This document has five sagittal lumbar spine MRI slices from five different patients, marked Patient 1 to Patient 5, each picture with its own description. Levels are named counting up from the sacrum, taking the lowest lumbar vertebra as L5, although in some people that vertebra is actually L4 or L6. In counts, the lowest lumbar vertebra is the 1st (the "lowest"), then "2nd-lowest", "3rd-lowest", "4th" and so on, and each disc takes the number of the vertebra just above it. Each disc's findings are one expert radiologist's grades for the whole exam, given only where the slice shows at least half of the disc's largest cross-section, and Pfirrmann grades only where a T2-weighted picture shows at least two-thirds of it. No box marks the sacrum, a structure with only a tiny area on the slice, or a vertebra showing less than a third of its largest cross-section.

Patient 1 of 5:
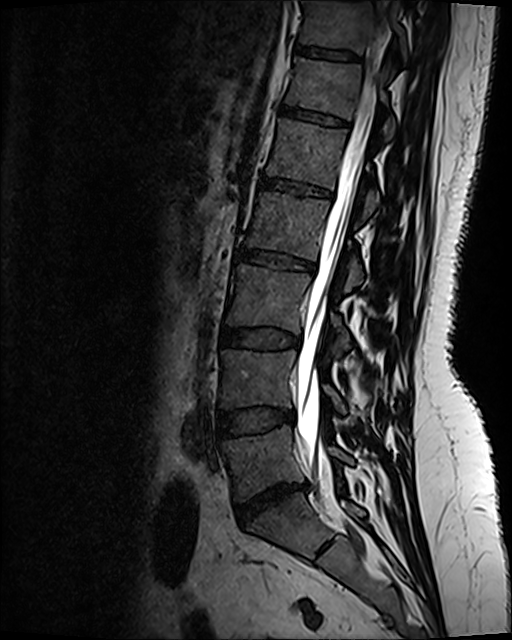

MRI lumbar spine (T2 SPACE (3D)), sagittal plane | Sagittal slice index 67 | 512x640 px

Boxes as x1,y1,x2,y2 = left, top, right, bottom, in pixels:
T12 vertebra at 287,59,394,139; intervertebral disc T11/T12 at 295,48,358,61; L1/L2 at 261,179,331,198; L1 vertebra at 267,120,379,216; T11 at 302,3,406,58; L3/L4 at 221,329,294,349; L2 at 246,193,363,291; L4/L5 at 219,409,292,438; L5/S1 at 236,486,305,526; L4 at 221,350,345,412; L5 vertebra at 223,425,352,500; intervertebral disc T12/L1 at 281,107,348,129; L3 at 227,266,349,348; thecal sac / spinal canal at 297,7,387,476; L2/L3 at 237,249,315,272.

Per-level radiological findings:
• L5/S1: Pfirrmann grade 1, disc narrowing, disc bulging, disc herniation
• L3/L4: Pfirrmann grade 2, disc bulging
• L1/L2: Pfirrmann grade 2, upper-endplate change, lower-endplate change
• T11/T12: Pfirrmann grade 2
• L4/L5: Pfirrmann grade 2, disc bulging
• L2/L3: Pfirrmann grade 4, disc bulging, upper-endplate change, lower-endplate change
• T12/L1: Pfirrmann grade 2, upper-endplate change, lower-endplate change

Patient 2 of 5:
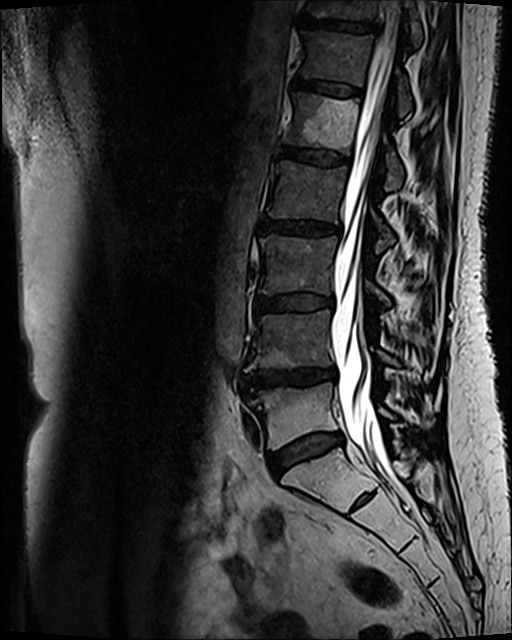 T2 SPACE (3D) sagittal MRI of the lumbar spine, Image 512x640

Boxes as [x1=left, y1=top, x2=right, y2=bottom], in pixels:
T11/T12 — [x1=301, y1=17, x2=378, y2=32] | L3/L4 — [x1=257, y1=295, x2=332, y2=312] | disc L5/S1 — [x1=269, y1=432, x2=344, y2=475] | spinal canal — [x1=331, y1=9, x2=398, y2=477] | L4/L5 — [x1=242, y1=369, x2=335, y2=394] | L2 — [x1=267, y1=161, x2=394, y2=252] | L3 vertebra — [x1=260, y1=234, x2=390, y2=304] | L4 vertebra — [x1=244, y1=310, x2=398, y2=372] | T12/L1 — [x1=293, y1=78, x2=361, y2=95] | T12 — [x1=302, y1=31, x2=411, y2=117] | L5 — [x1=249, y1=382, x2=428, y2=448] | L1 vertebra — [x1=284, y1=93, x2=403, y2=190] | disc L1/L2 — [x1=281, y1=147, x2=348, y2=164] | T11 vertebra — [x1=307, y1=0, x2=421, y2=47] | disc L2/L3 — [x1=261, y1=220, x2=341, y2=235]

Radiological gradings:
  L2/L3: Pfirrmann grade 3, disc bulging, Modic type II
  L5/S1: Pfirrmann grade 3, disc bulging, Modic type II
  T12/L1: Pfirrmann grade 3, Modic type II
  T11/T12: Pfirrmann grade 4, upper-endplate change, lower-endplate change, Modic type II
  L3/L4: Pfirrmann grade 3, disc bulging, Modic type II
  L4/L5: Pfirrmann grade 4, Modic type II, lower-endplate change, disc narrowing, disc bulging, upper-endplate change
  L1/L2: Pfirrmann grade 3, Modic type II

Patient 3 of 5:
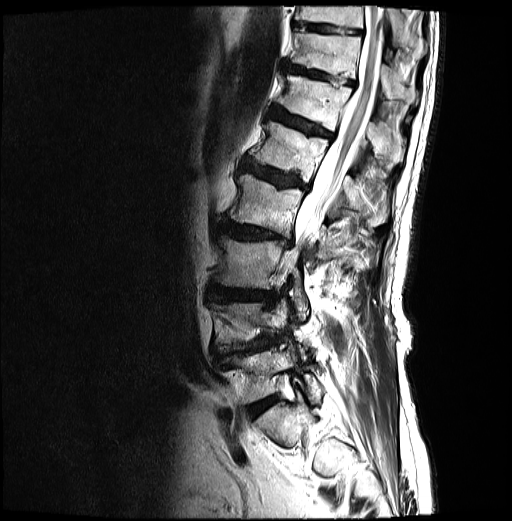 Lumbar spine MR, T2-weighted, sagittal
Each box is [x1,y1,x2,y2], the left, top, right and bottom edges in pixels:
Structures:
- L2/L3 (4th disc): [221,221,291,247]
- L5 (lowest vertebra): [226,342,322,402]
- T11/T12 (7th disc): [282,61,355,86]
- T10 (8th vertebra): [295,6,426,57]
- T11 (7th vertebra): [288,30,417,103]
- L1/L2 (5th disc): [241,158,308,189]
- disc T12/L1 (6th disc): [269,108,333,138]
- T12 (6th vertebra): [277,74,404,164]
- thecal sac / spinal canal: [292,6,385,260]
- L1 (5th vertebra): [249,121,386,226]
- T10/T11 (8th disc): [293,21,362,34]
- disc L5/S1 (lowest disc): [250,396,276,415]
- L3 (3rd-lowest vertebra): [215,236,308,320]
- L2 (4th vertebra): [228,175,335,267]
- L4/L5 (2nd-lowest disc): [235,341,264,351]
- disc L3/L4 (3rd-lowest disc): [213,287,275,301]

Per-level radiological findings:
• T12/L1 (6th disc): Pfirrmann grade 4, disc bulging, Modic type II, upper-endplate change, lower-endplate change
• T11/T12 (7th disc): Pfirrmann grade 4, disc bulging, upper-endplate change, lower-endplate change
• L3/L4 (3rd-lowest disc): Pfirrmann grade 4, lower-endplate change, upper-endplate change, disc bulging
• L2/L3 (4th disc): Pfirrmann grade 4, lower-endplate change, disc bulging, disc narrowing, upper-endplate change, Modic type I
• L1/L2 (5th disc): Pfirrmann grade 4, Modic type II, upper-endplate change, lower-endplate change, disc bulging
• T10/T11 (8th disc): Pfirrmann grade 3

Patient 4 of 5:
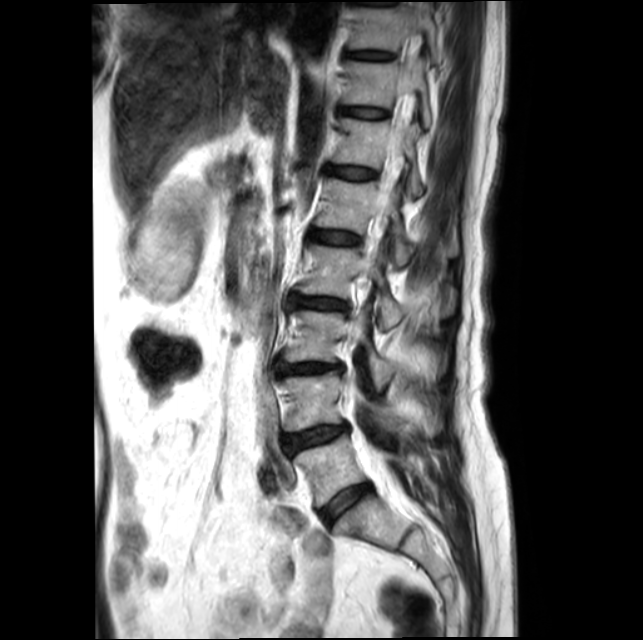 Sagittal T2-weighted lumbar spine MRI, Sagittal slice index 6, Patient sex: F

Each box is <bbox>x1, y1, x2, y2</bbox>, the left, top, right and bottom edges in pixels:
Segmented structures:
• L4 vertebra — <bbox>283, 372, 404, 433</bbox>
• disc L5/S1 — <bbox>322, 484, 370, 523</bbox>
• disc T10/T11 — <bbox>350, 52, 391, 59</bbox>
• T10 — <bbox>351, 8, 440, 62</bbox>
• disc L1/L2 — <bbox>312, 230, 357, 244</bbox>
• L2 vertebra — <bbox>299, 246, 453, 328</bbox>
• L5 vertebra — <bbox>294, 434, 411, 506</bbox>
• disc L4/L5 — <bbox>283, 425, 346, 452</bbox>
• T11 — <bbox>343, 61, 431, 127</bbox>
• T12/L1 — <bbox>331, 167, 374, 179</bbox>
• spinal canal — <bbox>347, 150, 406, 509</bbox>
• disc L3/L4 — <bbox>279, 363, 339, 374</bbox>
• L3 — <bbox>284, 311, 395, 391</bbox>
• L1 vertebra — <bbox>316, 179, 414, 266</bbox>
• T12 vertebra — <bbox>335, 118, 421, 196</bbox>
• disc L2/L3 — <bbox>294, 297, 345, 309</bbox>
• T11/T12 — <bbox>343, 108, 384, 117</bbox>

Radiological gradings:
• L5/S1: Pfirrmann grade 2
• L2/L3: disc narrowing, lower-endplate change, Modic type II, disc bulging, upper-endplate change
• L1/L2: Modic type II
• T12/L1: Pfirrmann grade 2
• T10/T11: Pfirrmann grade 2
• L4/L5: Pfirrmann grade 2, lower-endplate change, disc bulging, Modic type II, upper-endplate change
• L3/L4: Pfirrmann grade 3, Modic type II, upper-endplate change, disc bulging, lower-endplate change, disc narrowing
• T11/T12: no herniation, bulging, narrowing, spondylolisthesis, endplate or Modic change recorded

Patient 5 of 5:
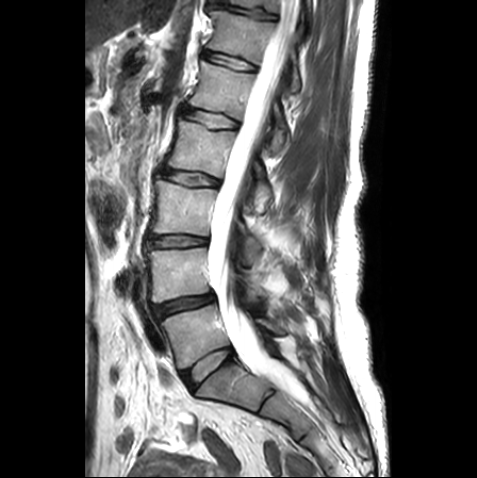

Lumbar spine MR, T2-weighted, sagittal. Field of view 280x281 mm.
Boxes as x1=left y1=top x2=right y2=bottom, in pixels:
L2 vertebra = x1=167 y1=119 x2=270 y2=212.
T11 vertebra = x1=220 y1=0 x2=310 y2=11.
L5 vertebra = x1=162 y1=304 x2=282 y2=368.
L3 = x1=150 y1=176 x2=262 y2=262.
IVD L4/L5 = x1=153 y1=293 x2=215 y2=318.
Spinal canal = x1=208 y1=0 x2=303 y2=392.
IVD L5/S1 = x1=182 y1=347 x2=232 y2=388.
IVD L2/L3 = x1=162 y1=168 x2=218 y2=186.
T12 = x1=209 y1=10 x2=299 y2=92.
L4 = x1=148 y1=248 x2=263 y2=302.
IVD L1/L2 = x1=183 y1=107 x2=237 y2=128.
IVD T12/L1 = x1=203 y1=51 x2=254 y2=70.
L3/L4 = x1=148 y1=236 x2=207 y2=246.
L1 vertebra = x1=189 y1=61 x2=289 y2=151.
IVD T11/T12 = x1=210 y1=3 x2=275 y2=19.

Expert MSK radiologist gradings (per disc):
• L1/L2: Pfirrmann grade 1, lower-endplate change, upper-endplate change
• T11/T12: Pfirrmann grade 1, upper-endplate change, disc narrowing, lower-endplate change
• L5/S1: Pfirrmann grade 1
• L4/L5: Pfirrmann grade 3, disc narrowing, lower-endplate change, disc bulging, upper-endplate change
• T12/L1: Pfirrmann grade 1, lower-endplate change, upper-endplate change
• L2/L3: Pfirrmann grade 2, disc bulging, upper-endplate change, lower-endplate change
• L3/L4: Pfirrmann grade 2, disc narrowing, disc bulging